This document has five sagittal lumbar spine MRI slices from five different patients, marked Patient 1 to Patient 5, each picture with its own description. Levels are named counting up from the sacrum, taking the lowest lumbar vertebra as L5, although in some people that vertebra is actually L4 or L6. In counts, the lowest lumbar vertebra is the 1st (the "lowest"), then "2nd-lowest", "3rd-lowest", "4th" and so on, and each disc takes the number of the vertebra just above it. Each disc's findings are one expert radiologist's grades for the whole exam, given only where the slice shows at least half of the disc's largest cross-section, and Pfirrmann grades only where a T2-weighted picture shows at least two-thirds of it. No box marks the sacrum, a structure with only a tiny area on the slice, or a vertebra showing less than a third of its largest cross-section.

Patient 1 of 5:
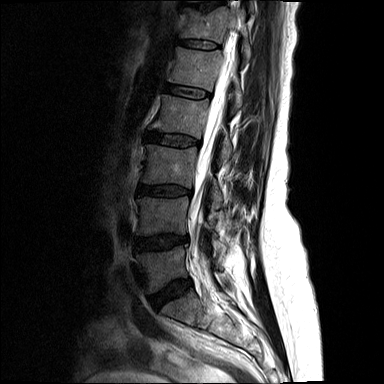 Sagittal T2-weighted lumbar spine MRI | Image 384x384

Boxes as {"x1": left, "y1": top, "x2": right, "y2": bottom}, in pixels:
4th disc — {"x1": 146, "y1": 132, "x2": 199, "y2": 146}.
Lowest vertebra — {"x1": 137, "y1": 246, "x2": 222, "y2": 293}.
2nd-lowest disc — {"x1": 136, "y1": 235, "x2": 186, "y2": 249}.
Lowest disc — {"x1": 151, "y1": 280, "x2": 192, "y2": 308}.
Spinal canal — {"x1": 190, "y1": 45, "x2": 236, "y2": 278}.
7th vertebra — {"x1": 249, "y1": 0, "x2": 253, "y2": 11}.
3rd-lowest disc — {"x1": 138, "y1": 185, "x2": 191, "y2": 195}.
7th disc — {"x1": 187, "y1": 1, "x2": 224, "y2": 10}.
6th vertebra — {"x1": 179, "y1": 6, "x2": 251, "y2": 60}.
4th vertebra — {"x1": 150, "y1": 95, "x2": 232, "y2": 162}.
5th disc — {"x1": 164, "y1": 84, "x2": 209, "y2": 98}.
6th disc — {"x1": 177, "y1": 40, "x2": 215, "y2": 49}.
5th vertebra — {"x1": 168, "y1": 47, "x2": 242, "y2": 111}.
2nd-lowest vertebra — {"x1": 137, "y1": 197, "x2": 217, "y2": 236}.
3rd-lowest vertebra — {"x1": 143, "y1": 145, "x2": 223, "y2": 208}.

Expert MSK radiologist gradings (per disc):
- 3rd-lowest disc: Pfirrmann grade 3, upper-endplate change, disc narrowing, lower-endplate change, disc bulging
- 4th disc: Pfirrmann grade 3, upper-endplate change, lower-endplate change, disc bulging
- lowest disc: Pfirrmann grade 3, disc bulging
- 5th disc: Pfirrmann grade 2
- 6th disc: Pfirrmann grade 2
- 2nd-lowest disc: Pfirrmann grade 3, disc bulging
- 7th disc: lower-endplate change, upper-endplate change

Patient 2 of 5:
Sagittal slice index 16; Sagittal T1-weighted lumbar spine MRI; Image 559x556

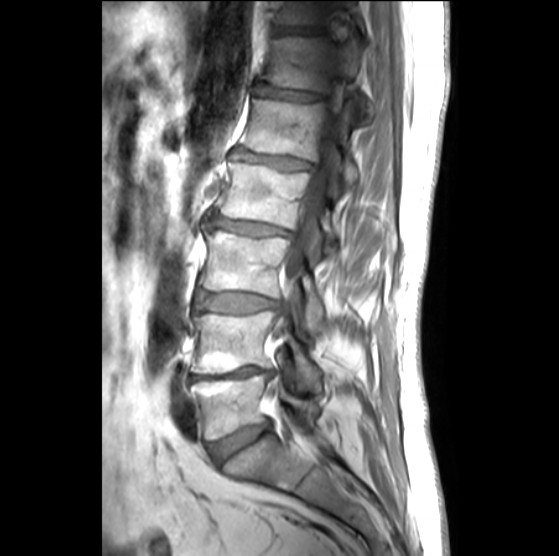

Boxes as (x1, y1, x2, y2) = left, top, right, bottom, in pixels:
{"2nd-lowest vertebra": "(191, 307, 320, 390)", "7th vertebra": "(272, 1, 361, 24)", "5th vertebra": "(241, 98, 359, 189)", "4th vertebra": "(217, 161, 338, 252)", "lowest disc": "(209, 421, 270, 464)", "3rd-lowest disc": "(196, 293, 278, 311)", "2nd-lowest disc": "(191, 366, 274, 379)", "6th disc": "(254, 85, 324, 100)", "spinal canal": "(264, 86, 341, 443)", "4th disc": "(211, 214, 291, 235)", "7th disc": "(272, 26, 325, 35)", "5th disc": "(234, 150, 314, 169)", "6th vertebra": "(262, 36, 365, 106)", "3rd-lowest vertebra": "(199, 223, 324, 333)", "lowest vertebra": "(191, 373, 320, 439)"}

Expert MSK radiologist gradings (per disc):
  7th disc: disc narrowing
  3rd-lowest disc: disc bulging
  5th disc: upper-endplate change, disc narrowing, Modic type III, disc bulging, lower-endplate change
  lowest disc: disc bulging
  4th disc: upper-endplate change, Modic type II, lower-endplate change, disc bulging, disc narrowing
  6th disc: disc narrowing
  2nd-lowest disc: disc narrowing, Modic type II, upper-endplate change, lower-endplate change

Patient 3 of 5:
Lumbar spine MR, T1-weighted, sagittal. Slice 10/15. Patient sex: F. 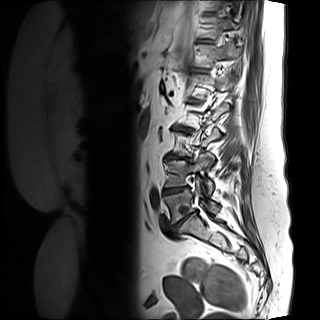

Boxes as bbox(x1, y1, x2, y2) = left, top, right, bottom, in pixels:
Disc L4/L5: bbox(163, 186, 189, 194).
T11 vertebra: bbox(201, 17, 238, 38).
L1 vertebra: bbox(193, 74, 235, 98).
L4: bbox(165, 155, 213, 193).
T12 vertebra: bbox(196, 42, 241, 67).
L5/S1: bbox(172, 213, 192, 230).
L5 vertebra: bbox(163, 180, 219, 223).
Disc L3/L4: bbox(166, 154, 185, 159).

Per-level radiological findings:
- L5/S1: lower-endplate change, disc bulging, Modic type II, disc narrowing, upper-endplate change
- L4/L5: disc narrowing, lower-endplate change, disc bulging, Modic type II, upper-endplate change

Patient 4 of 5:
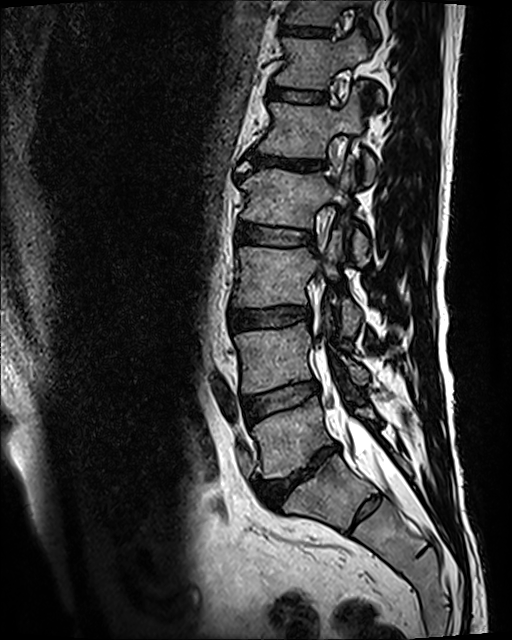

T2 SPACE (3D) sagittal MRI of the lumbar spine, Slice 47 of 120, Sex M
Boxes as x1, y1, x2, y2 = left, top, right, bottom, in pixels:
Lowest disc: 257, 445, 338, 508.
4th disc: 238, 224, 314, 246.
7th disc: 282, 28, 330, 36.
2nd-lowest vertebra: 235, 318, 367, 394.
6th vertebra: 275, 31, 383, 103.
3rd-lowest vertebra: 234, 230, 360, 335.
Lowest vertebra: 252, 397, 374, 478.
5th disc: 249, 152, 322, 171.
6th disc: 268, 82, 328, 102.
2nd-lowest disc: 243, 381, 318, 421.
Thecal sac / spinal canal: 318, 339, 395, 488.
3rd-lowest disc: 228, 306, 310, 330.
5th vertebra: 258, 87, 376, 183.
7th vertebra: 286, 0, 377, 34.
4th vertebra: 240, 158, 368, 261.

Degenerative findings by level:
- 3rd-lowest disc: Pfirrmann grade 3, disc bulging, upper-endplate change, lower-endplate change
- 4th disc: Pfirrmann grade 3
- lowest disc: Pfirrmann grade 5, disc bulging, lower-endplate change, disc narrowing, Modic type II, upper-endplate change
- 5th disc: upper-endplate change, disc narrowing, lower-endplate change, disc bulging, Modic type II
- 6th disc: Pfirrmann grade 3
- 2nd-lowest disc: Pfirrmann grade 3, Modic type II

Patient 5 of 5:
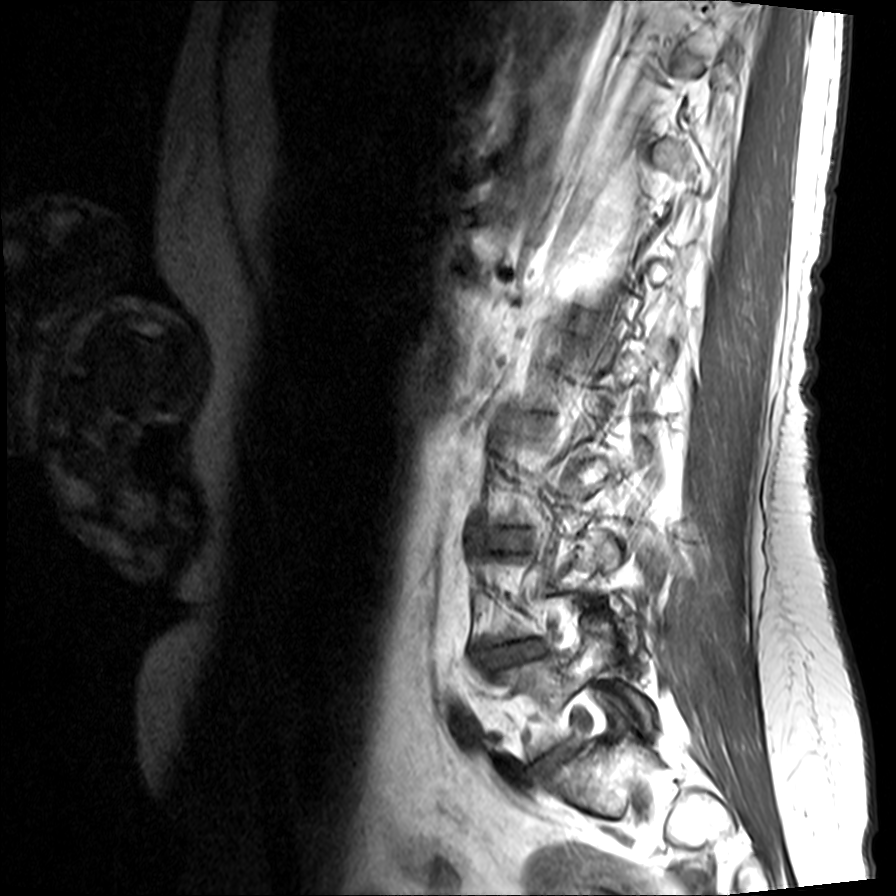 Sagittal T1-weighted lumbar spine MRI | 896x896 px | Slice 12 of 15

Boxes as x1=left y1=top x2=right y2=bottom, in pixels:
{"L5": "x1=499 y1=616 x2=652 y2=757", "L5/S1": "x1=534 y1=743 x2=577 y2=778", "L4/L5": "x1=480 y1=639 x2=548 y2=670", "L3/L4": "x1=488 y1=531 x2=527 y2=549"}